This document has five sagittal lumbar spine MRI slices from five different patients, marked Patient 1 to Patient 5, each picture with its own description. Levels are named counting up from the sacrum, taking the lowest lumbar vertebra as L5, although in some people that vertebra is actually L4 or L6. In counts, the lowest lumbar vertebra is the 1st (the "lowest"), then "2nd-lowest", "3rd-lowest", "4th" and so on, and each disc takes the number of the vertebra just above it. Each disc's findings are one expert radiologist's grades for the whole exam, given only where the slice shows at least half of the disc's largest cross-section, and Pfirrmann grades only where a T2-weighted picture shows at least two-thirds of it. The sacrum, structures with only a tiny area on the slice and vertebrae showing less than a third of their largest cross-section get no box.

Patient 1 of 5:
MRI lumbar spine (T1-weighted), sagittal plane | Patient sex: F | Philips Healthcare Ingenia (3T) | 448x448 px

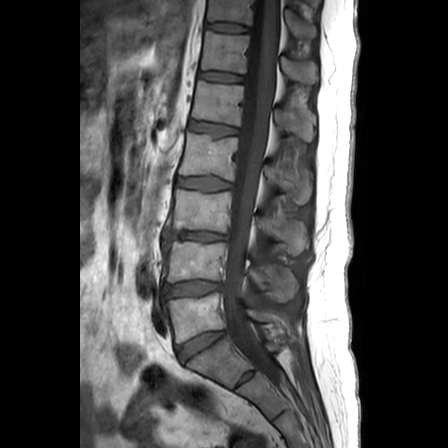
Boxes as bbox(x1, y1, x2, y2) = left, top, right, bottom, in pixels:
L1 at bbox(193, 80, 316, 140); L5 at bbox(166, 293, 289, 342); disc L2/L3 at bbox(178, 176, 232, 190); L5/S1 at bbox(179, 331, 225, 360); disc L4/L5 at bbox(166, 281, 222, 296); L3 at bbox(168, 189, 310, 254); L1/L2 at bbox(191, 121, 239, 134); spinal canal at bbox(223, 0, 280, 376); T12 vertebra at bbox(202, 31, 318, 83); T11/T12 at bbox(206, 22, 248, 31); T11 vertebra at bbox(208, 0, 317, 36); L2 at bbox(181, 133, 312, 202); L4 at bbox(167, 240, 299, 301); T12/L1 at bbox(199, 71, 242, 81); L3/L4 at bbox(167, 231, 228, 240).

Per-level radiological findings:
- L4/L5: disc bulging
- L3/L4: Modic type II, upper-endplate change, lower-endplate change, disc narrowing, disc herniation
- L1/L2, L2/L3, T12/L1, L5/S1, T11/T12: no herniation, bulging, narrowing, spondylolisthesis, endplate or Modic change recorded

Patient 2 of 5:
Patient sex: F. SIEMENS Avanto_fit (1.5T). MRI lumbar spine (T1-weighted), sagittal plane.
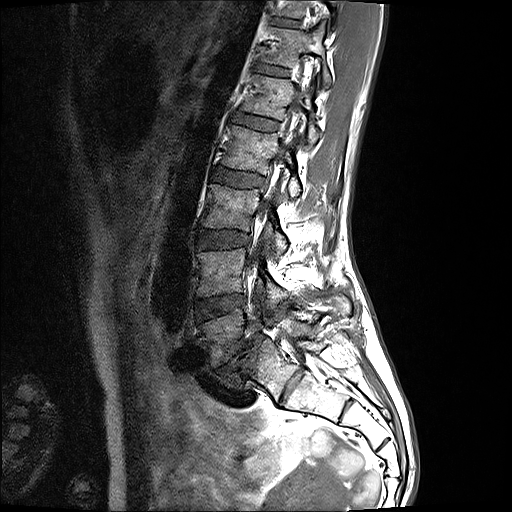

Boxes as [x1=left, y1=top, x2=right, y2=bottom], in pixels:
{"L4/L5": "[x1=195, y1=294, x2=245, y2=321]", "disc L1/L2": "[x1=233, y1=113, x2=278, y2=130]", "disc L2/L3": "[x1=212, y1=167, x2=263, y2=187]", "L4": "[x1=197, y1=248, x2=288, y2=308]", "T12 vertebra": "[x1=261, y1=23, x2=331, y2=87]", "T12/L1": "[x1=255, y1=64, x2=288, y2=76]", "spinal canal": "[x1=251, y1=76, x2=309, y2=354]", "disc L5/S1": "[x1=213, y1=333, x2=264, y2=379]", "L1": "[x1=242, y1=74, x2=322, y2=146]", "disc L3/L4": "[x1=198, y1=229, x2=250, y2=248]", "L2": "[x1=222, y1=125, x2=300, y2=196]", "L5": "[x1=199, y1=295, x2=349, y2=367]", "L3": "[x1=201, y1=184, x2=287, y2=254]", "disc T11/T12": "[x1=272, y1=17, x2=299, y2=27]", "T11": "[x1=272, y1=0, x2=337, y2=19]"}

Per-level radiological findings:
  L5/S1: Modic type II, disc narrowing, disc bulging, spondylolisthesis
  T11/T12, L1/L2, L2/L3, T12/L1, L3/L4, L4/L5: no herniation, bulging, narrowing, spondylolisthesis, endplate or Modic change recorded

Patient 3 of 5:
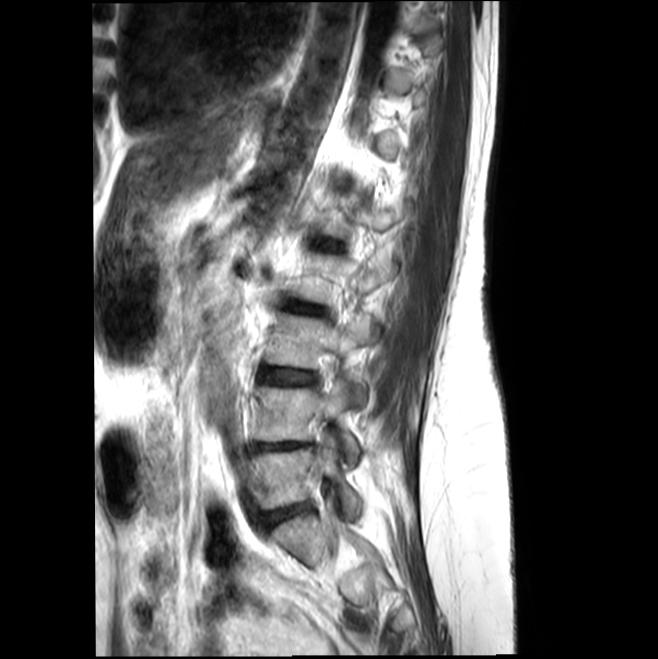
Slice spacing 4.4 mm, Image 658x659, Slice 13/17, Sagittal T2-weighted lumbar spine MRI
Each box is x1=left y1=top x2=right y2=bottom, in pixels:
3rd-lowest disc at x1=260 y1=369 x2=315 y2=384, 2nd-lowest disc at x1=252 y1=442 x2=306 y2=450, 4th disc at x1=285 y1=302 x2=324 y2=314, lowest vertebra at x1=251 y1=437 x2=362 y2=516, lowest disc at x1=260 y1=504 x2=308 y2=528, 3rd-lowest vertebra at x1=265 y1=313 x2=378 y2=404, 2nd-lowest vertebra at x1=252 y1=378 x2=359 y2=466.

Expert MSK radiologist gradings (per disc):
  3rd-lowest disc: Pfirrmann grade 2, Modic type II, disc bulging

Patient 4 of 5:
Sagittal T1-weighted lumbar spine MRI.
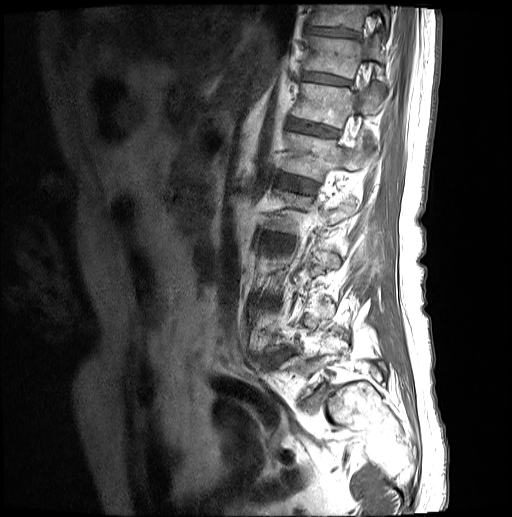
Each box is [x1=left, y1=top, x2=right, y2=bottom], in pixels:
Segmented structures:
- L5/S1 (lowest disc) = [x1=302, y1=385, x2=326, y2=410]
- L5 (lowest vertebra) = [x1=279, y1=337, x2=386, y2=394]
- IVD T11/T12 (7th disc) = [x1=303, y1=71, x2=350, y2=84]
- IVD L1/L2 (5th disc) = [x1=279, y1=173, x2=315, y2=192]
- T10 (8th vertebra) = [x1=309, y1=4, x2=390, y2=32]
- L2/L3 (4th disc) = [x1=264, y1=233, x2=292, y2=242]
- T10/T11 (8th disc) = [x1=306, y1=25, x2=357, y2=37]
- L4/L5 (2nd-lowest disc) = [x1=271, y1=349, x2=292, y2=363]
- T12 (6th vertebra) = [x1=292, y1=82, x2=383, y2=127]
- T11 (7th vertebra) = [x1=305, y1=34, x2=386, y2=78]
- L1 (5th vertebra) = [x1=282, y1=132, x2=371, y2=180]
- T12/L1 (6th disc) = [x1=288, y1=119, x2=338, y2=137]

Per-level radiological findings:
• T10/T11 (8th disc), T11/T12 (7th disc), L1/L2 (5th disc), T12/L1 (6th disc): no Modic or endplate change, herniation, narrowing, bulging or spondylolisthesis recorded

Patient 5 of 5:
Sex F. Scanner: Philips Healthcare Ingenia (3T). Lumbar spine MR, T2-weighted, sagittal. Sagittal slice index 16.

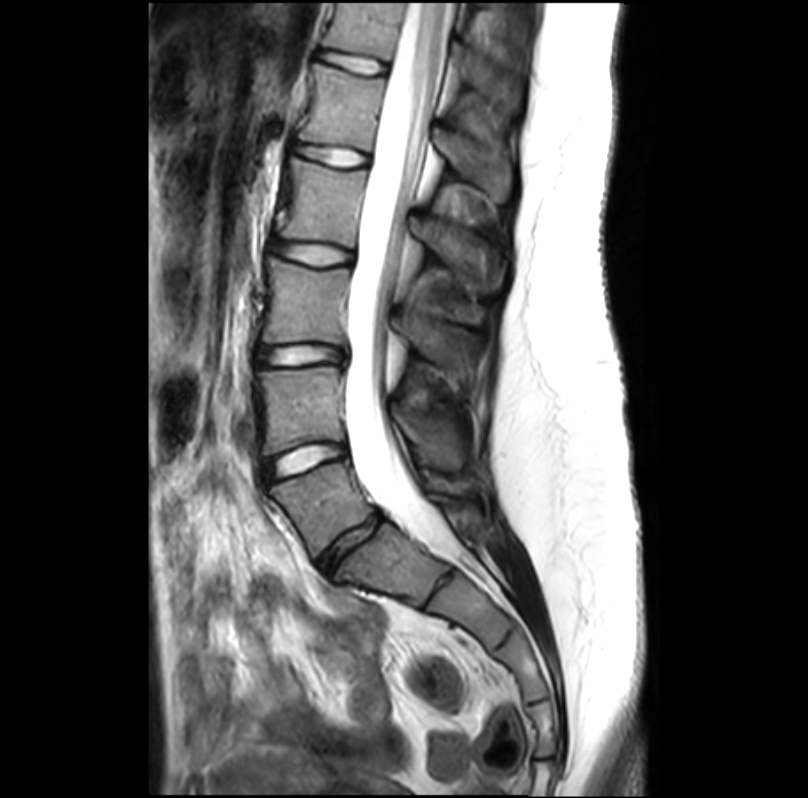
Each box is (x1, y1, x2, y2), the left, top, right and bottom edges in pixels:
L4 (2nd-lowest vertebra): (258, 367, 463, 471)
T12 (6th vertebra): (323, 3, 518, 109)
L3 (3rd-lowest vertebra): (262, 258, 481, 381)
L2 (4th vertebra): (283, 158, 502, 291)
intervertebral disc T12/L1 (6th disc): (321, 51, 384, 74)
L1 (5th vertebra): (300, 65, 508, 200)
L5 (lowest vertebra): (270, 463, 469, 557)
thecal sac / spinal canal: (345, 3, 451, 555)
intervertebral disc L1/L2 (5th disc): (300, 146, 367, 166)
L2/L3 (4th disc): (272, 240, 350, 265)
L3/L4 (3rd-lowest disc): (260, 344, 342, 364)
intervertebral disc L4/L5 (2nd-lowest disc): (266, 443, 345, 480)
intervertebral disc L5/S1 (lowest disc): (317, 512, 382, 570)

Per-level radiological findings:
  L2/L3 (4th disc): Pfirrmann grade 1
  L1/L2 (5th disc): Pfirrmann grade 1
  L3/L4 (3rd-lowest disc): Pfirrmann grade 1, disc bulging
  L5/S1 (lowest disc): Pfirrmann grade 3, disc narrowing
  T12/L1 (6th disc): Pfirrmann grade 1
  L4/L5 (2nd-lowest disc): Pfirrmann grade 1